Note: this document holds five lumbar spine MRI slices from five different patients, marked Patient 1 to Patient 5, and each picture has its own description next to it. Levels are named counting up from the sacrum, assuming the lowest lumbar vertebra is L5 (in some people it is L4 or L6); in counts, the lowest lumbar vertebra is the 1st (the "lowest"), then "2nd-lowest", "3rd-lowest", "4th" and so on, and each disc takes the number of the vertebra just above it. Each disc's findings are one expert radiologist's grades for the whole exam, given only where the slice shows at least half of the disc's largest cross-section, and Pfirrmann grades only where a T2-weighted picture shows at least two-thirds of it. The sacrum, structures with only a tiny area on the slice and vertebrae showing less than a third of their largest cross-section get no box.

Patient 1 of 5:
Slice 84/120, Patient sex: F, Image 512x640, Lumbar spine MR, T2 SPACE (3D), sagittal, SIEMENS Avanto_fit (1.5T)

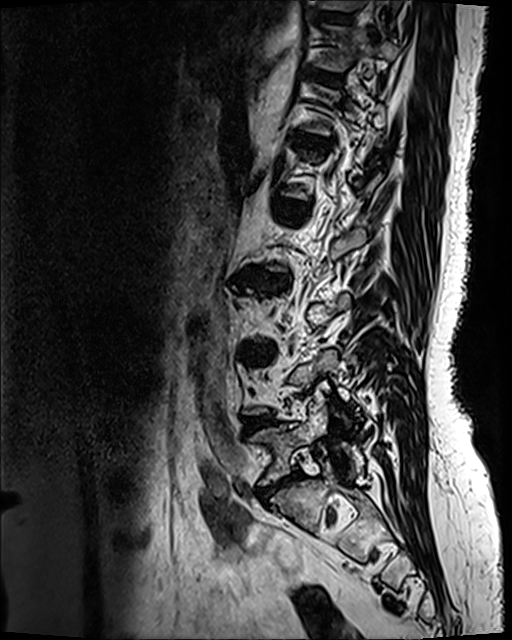

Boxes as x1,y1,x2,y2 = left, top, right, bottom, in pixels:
Structures:
- T10/T11: 319,10,351,22
- T10 vertebra: 313,0,402,14
- IVD T12/L1: 293,134,329,148
- IVD L4/L5: 245,416,274,429
- L5 vertebra: 252,406,327,484
- T11/T12: 313,71,340,82
- L5/S1: 258,470,298,498
- L1/L2: 274,199,310,218
- L3/L4: 242,347,271,354
- T11 vertebra: 318,26,397,70
- L2/L3: 245,271,288,287

Per-level radiological findings:
- L2/L3: Modic type II, disc bulging, disc narrowing, upper-endplate change, lower-endplate change

Patient 2 of 5:
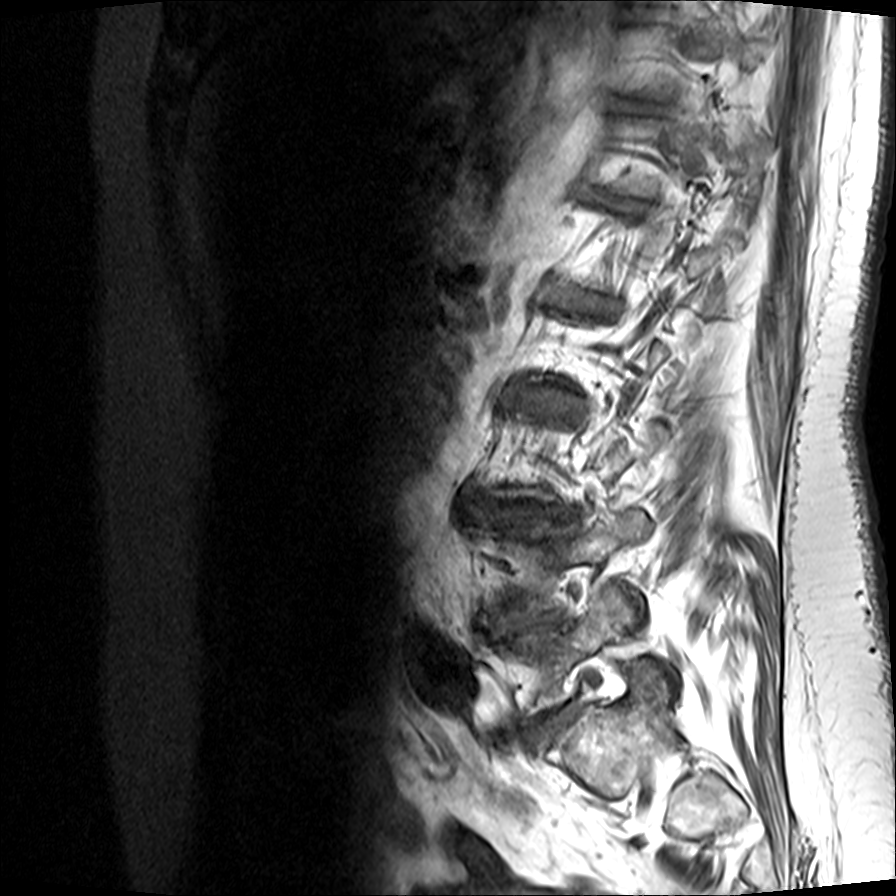 Sagittal T1-weighted lumbar spine MRI, Image 896x896

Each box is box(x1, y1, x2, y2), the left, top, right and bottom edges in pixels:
Annotations:
• L3/L4 — box(480, 502, 573, 523)
• intervertebral disc L1/L2 — box(573, 297, 609, 309)
• intervertebral disc T11/T12 — box(627, 100, 665, 111)
• L5 vertebra — box(482, 587, 675, 724)
• L4/L5 — box(484, 612, 563, 638)
• T12/L1 — box(587, 191, 646, 210)
• L4 vertebra — box(472, 511, 649, 625)
• L5/S1 — box(528, 703, 577, 742)

Degenerative findings by level:
• T12/L1: disc bulging, lower-endplate change, upper-endplate change, Modic type II, disc narrowing

Patient 3 of 5:
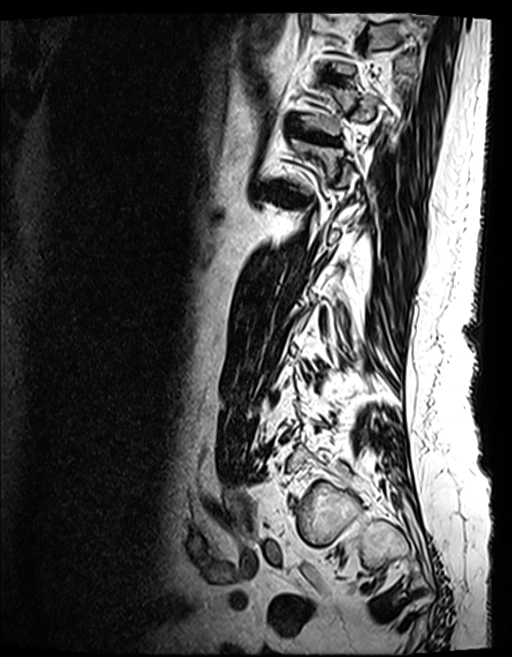

MRI lumbar spine (T2 SPACE (3D)), sagittal plane, Slice 40/154

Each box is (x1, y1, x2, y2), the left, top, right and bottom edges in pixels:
IVD T10/T11: (322, 72, 343, 81).
IVD T11/T12: (291, 127, 333, 142).

Radiological gradings:
- T11/T12: Pfirrmann grade 5, Modic type II, upper-endplate change, disc narrowing, disc bulging, lower-endplate change

Patient 4 of 5:
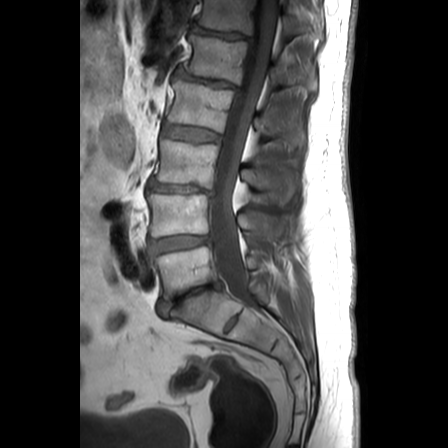 T1-weighted sagittal MRI of the lumbar spine, Patient sex: M
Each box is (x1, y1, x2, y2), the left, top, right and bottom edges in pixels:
4th disc — (162, 126, 219, 141).
3rd-lowest disc — (149, 181, 212, 195).
2nd-lowest disc — (149, 236, 208, 253).
5th vertebra — (183, 34, 312, 88).
Spinal canal — (208, 0, 276, 304).
6th disc — (191, 25, 250, 40).
5th disc — (175, 69, 235, 88).
4th vertebra — (166, 79, 300, 146).
Lowest disc — (157, 281, 221, 317).
6th vertebra — (196, 0, 322, 37).
Lowest vertebra — (153, 246, 260, 299).
3rd-lowest vertebra — (153, 139, 295, 195).
2nd-lowest vertebra — (147, 193, 282, 240).

Expert MSK radiologist gradings (per disc):
  3rd-lowest disc: disc herniation, disc narrowing
  lowest disc: disc narrowing, disc bulging
  5th disc: disc narrowing, disc bulging
  2nd-lowest disc: disc bulging
  6th disc: disc narrowing, disc bulging
  4th disc: no herniation, bulging, narrowing, spondylolisthesis, endplate or Modic change recorded

Patient 5 of 5:
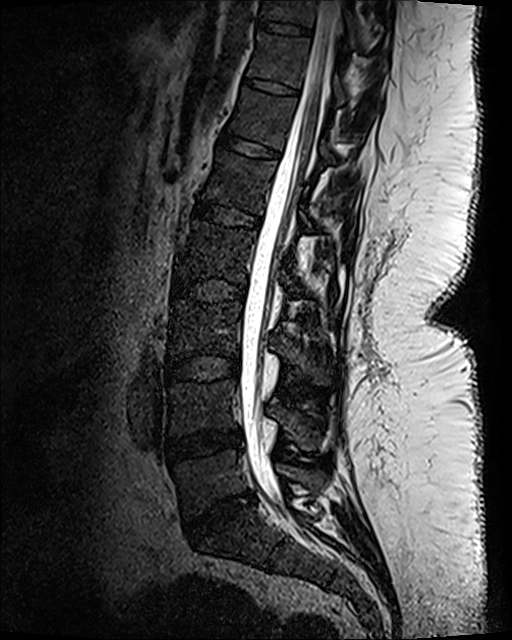
Lumbar spine MR, T2 SPACE (3D), sagittal, 512x640 px
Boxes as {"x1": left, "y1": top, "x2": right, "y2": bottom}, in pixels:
{"6th disc": {"x1": 218, "y1": 131, "x2": 280, "y2": 160}, "2nd-lowest disc": {"x1": 165, "y1": 431, "x2": 240, "y2": 462}, "thecal sac / spinal canal": {"x1": 239, "y1": 1, "x2": 340, "y2": 497}, "7th disc": {"x1": 244, "y1": 77, "x2": 298, "y2": 96}, "lowest disc": {"x1": 186, "y1": 494, "x2": 254, "y2": 542}, "lowest vertebra": {"x1": 174, "y1": 450, "x2": 326, "y2": 518}, "7th vertebra": {"x1": 247, "y1": 32, "x2": 345, "y2": 104}, "3rd-lowest vertebra": {"x1": 169, "y1": 300, "x2": 333, "y2": 386}, "5th vertebra": {"x1": 204, "y1": 149, "x2": 354, "y2": 229}, "8th vertebra": {"x1": 260, "y1": 0, "x2": 355, "y2": 48}, "2nd-lowest vertebra": {"x1": 169, "y1": 380, "x2": 320, "y2": 449}, "3rd-lowest disc": {"x1": 166, "y1": 354, "x2": 239, "y2": 382}, "5th disc": {"x1": 188, "y1": 203, "x2": 260, "y2": 229}, "6th vertebra": {"x1": 228, "y1": 88, "x2": 334, "y2": 163}, "4th disc": {"x1": 170, "y1": 277, "x2": 246, "y2": 302}, "8th disc": {"x1": 258, "y1": 22, "x2": 313, "y2": 36}, "4th vertebra": {"x1": 177, "y1": 220, "x2": 312, "y2": 295}}

Degenerative findings by level:
• 3rd-lowest disc: Pfirrmann grade 1
• 2nd-lowest disc: Pfirrmann grade 3, disc bulging, disc narrowing
• 6th disc: Pfirrmann grade 1
• lowest disc: Pfirrmann grade 4, disc narrowing, disc bulging
• 8th disc: Pfirrmann grade 1
• 4th disc: Pfirrmann grade 1
• 7th disc: Pfirrmann grade 1
• 5th disc: Pfirrmann grade 1